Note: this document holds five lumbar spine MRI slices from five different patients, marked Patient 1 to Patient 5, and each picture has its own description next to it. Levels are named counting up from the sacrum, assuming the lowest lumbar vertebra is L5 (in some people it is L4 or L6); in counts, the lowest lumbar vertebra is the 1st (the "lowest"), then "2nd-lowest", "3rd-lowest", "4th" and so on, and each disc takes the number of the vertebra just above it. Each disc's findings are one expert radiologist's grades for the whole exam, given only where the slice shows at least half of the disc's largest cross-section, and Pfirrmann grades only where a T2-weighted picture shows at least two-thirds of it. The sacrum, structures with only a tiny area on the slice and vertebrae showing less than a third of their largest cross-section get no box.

Patient 1 of 5:
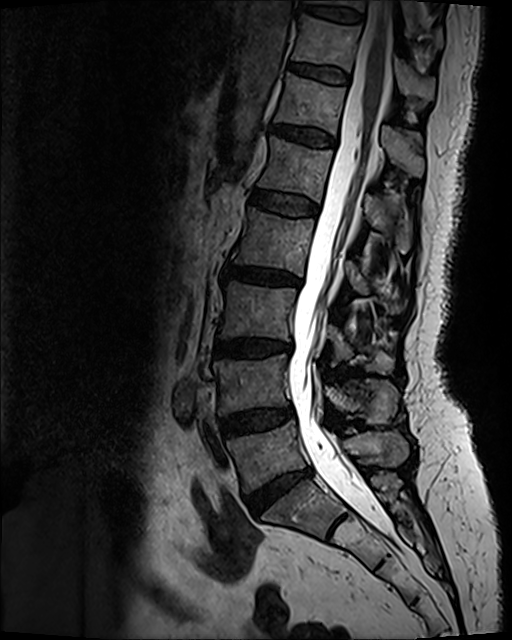
Slice spacing 0.9 mm. Sagittal T2 SPACE (3D) lumbar spine MRI.

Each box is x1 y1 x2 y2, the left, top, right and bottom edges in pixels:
L4/L5 (2nd-lowest disc): 221 407 292 435
disc L2/L3 (4th disc): 222 262 300 284
L5 (lowest vertebra): 226 421 408 492
thecal sac / spinal canal: 288 1 393 534
L5/S1 (lowest disc): 247 470 310 515
disc L3/L4 (3rd-lowest disc): 214 339 290 355
T11 (7th vertebra): 292 15 434 102
L4 (2nd-lowest vertebra): 213 354 398 424
L3 (3rd-lowest vertebra): 219 281 395 374
T10/T11 (8th disc): 297 5 361 21
disc T11/T12 (7th disc): 291 64 348 83
L1 (5th vertebra): 259 137 411 253
disc L1/L2 (5th disc): 250 191 317 215
L2 (4th vertebra): 231 208 402 312
disc T12/L1 (6th disc): 270 124 335 146
T10 (8th vertebra): 304 0 442 44
T12 (6th vertebra): 274 73 424 178

Per-level radiological findings:
  L2/L3 (4th disc): Pfirrmann grade 4, Modic type II, disc bulging, upper-endplate change, disc narrowing, lower-endplate change
  T11/T12 (7th disc): Pfirrmann grade 2
  L5/S1 (lowest disc): Pfirrmann grade 4, disc bulging, disc narrowing
  L3/L4 (3rd-lowest disc): Pfirrmann grade 4, upper-endplate change, disc narrowing, Modic type II, lower-endplate change, disc bulging
  L1/L2 (5th disc): Pfirrmann grade 2
  L4/L5 (2nd-lowest disc): Pfirrmann grade 3, disc bulging
  T10/T11 (8th disc): Pfirrmann grade 2
  T12/L1 (6th disc): Pfirrmann grade 3, disc bulging

Patient 2 of 5:
MRI lumbar spine (T2-weighted), sagittal plane.

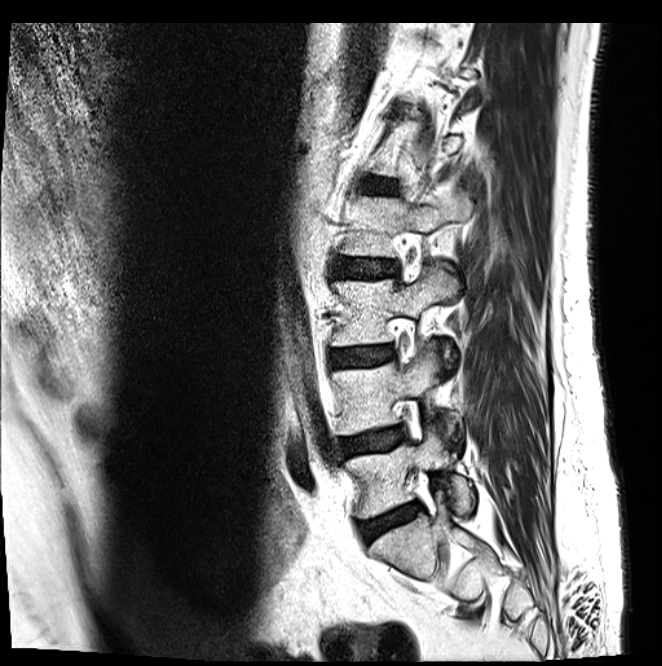

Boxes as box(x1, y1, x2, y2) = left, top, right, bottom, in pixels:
L5/S1 at box(360, 502, 421, 542); L2/L3 at box(332, 258, 397, 277); L4 vertebra at box(332, 343, 458, 435); intervertebral disc L1/L2 at box(365, 179, 397, 194); L2 vertebra at box(340, 190, 472, 257); L3/L4 at box(330, 346, 392, 366); L5 vertebra at box(345, 425, 474, 520); intervertebral disc L4/L5 at box(339, 426, 405, 456); L3 vertebra at box(331, 265, 457, 357).

Expert MSK radiologist gradings (per disc):
  L5/S1: disc bulging, disc narrowing, Modic type II
  L3/L4: Pfirrmann grade 2, Modic type II, disc bulging
  L2/L3: Pfirrmann grade 3, disc bulging
  L4/L5: Pfirrmann grade 2, disc bulging, Modic type II

Patient 3 of 5:
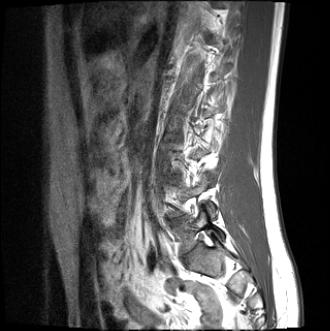 Sagittal T1-weighted lumbar spine MRI | Patient sex: M
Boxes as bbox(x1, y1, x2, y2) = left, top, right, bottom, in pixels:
Disc L5/S1 (lowest disc) at bbox(185, 245, 201, 261); L5 (lowest vertebra) at bbox(175, 211, 223, 253).

Patient 4 of 5:
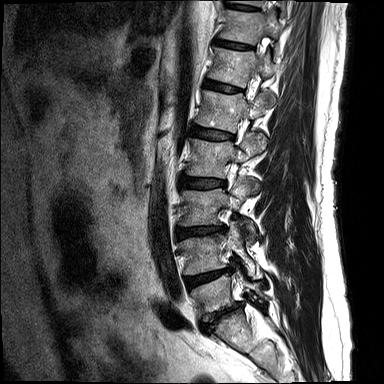

MRI lumbar spine (T2-weighted), sagittal plane, Slice 4/15

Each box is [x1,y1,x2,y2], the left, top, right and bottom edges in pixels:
L4 vertebra at [181,226,262,277], L2 at [187,133,266,194], L2/L3 at [182,178,223,187], IVD T12/L1 at [204,80,238,91], T12 vertebra at [209,48,280,87], IVD L1/L2 at [192,126,232,139], IVD L5/S1 at [202,303,241,330], L3 at [181,179,255,241], T11 vertebra at [221,10,282,44], L5 at [191,270,266,313], T11/T12 at [215,40,251,48], T10 vertebra at [231,0,285,13], L4/L5 at [187,270,226,287], L1 at [197,91,274,132], L3/L4 at [178,227,224,237], IVD T10/T11 at [227,4,257,10].

Per-level radiological findings:
• L4/L5: Modic type II, lower-endplate change, upper-endplate change, disc bulging, disc narrowing
• L1/L2: Pfirrmann grade 2, upper-endplate change, disc bulging
• T11/T12: Pfirrmann grade 1
• T12/L1: Pfirrmann grade 1
• L5/S1: Pfirrmann grade 5, upper-endplate change, Modic type II, lower-endplate change, disc bulging, disc narrowing
• L3/L4: Pfirrmann grade 3, lower-endplate change, upper-endplate change, disc narrowing, disc bulging
• L2/L3: Pfirrmann grade 2, disc bulging
• T10/T11: no spondylolisthesis, narrowing, bulging, herniation, Modic or endplate change recorded

Patient 5 of 5:
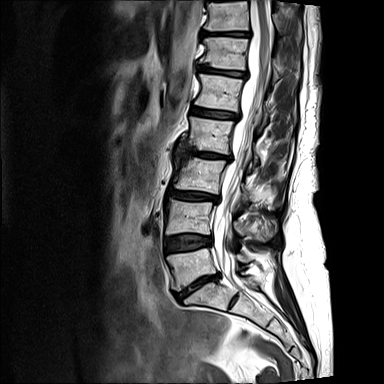 Sex F; Sagittal T2-weighted lumbar spine MRI
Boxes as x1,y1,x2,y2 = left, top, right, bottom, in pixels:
L1 vertebra = 195,73,268,124.
T11 = 204,0,281,30.
L3 vertebra = 172,155,266,205.
Intervertebral disc T11/T12 = 201,30,251,37.
L5 vertebra = 167,248,250,290.
L3/L4 = 169,189,219,202.
Intervertebral disc L5/S1 = 175,274,219,301.
T12 vertebra = 198,36,279,84.
L2 = 178,116,284,175.
T12/L1 = 196,65,247,79.
Spinal canal = 213,0,271,287.
Intervertebral disc L4/L5 = 165,234,211,252.
L2/L3 = 174,149,232,161.
L4 = 165,198,273,241.
L1/L2 = 190,106,239,120.

Radiological gradings:
• T12/L1: Pfirrmann grade 3, disc narrowing, upper-endplate change, lower-endplate change, Modic type III, disc bulging
• L4/L5: Pfirrmann grade 3, lower-endplate change, upper-endplate change, Modic type II, disc bulging
• L5/S1: Pfirrmann grade 5, Modic type II, lower-endplate change, disc narrowing, disc bulging, upper-endplate change
• L2/L3: Pfirrmann grade 5, disc narrowing, disc bulging, lower-endplate change, upper-endplate change, Modic type III
• T11/T12: Pfirrmann grade 3, disc bulging, lower-endplate change, Modic type II, upper-endplate change, disc narrowing
• L3/L4: Pfirrmann grade 4, disc bulging, disc narrowing, lower-endplate change, upper-endplate change, Modic type II
• L1/L2: Pfirrmann grade 3, Modic type II, upper-endplate change, disc bulging, lower-endplate change